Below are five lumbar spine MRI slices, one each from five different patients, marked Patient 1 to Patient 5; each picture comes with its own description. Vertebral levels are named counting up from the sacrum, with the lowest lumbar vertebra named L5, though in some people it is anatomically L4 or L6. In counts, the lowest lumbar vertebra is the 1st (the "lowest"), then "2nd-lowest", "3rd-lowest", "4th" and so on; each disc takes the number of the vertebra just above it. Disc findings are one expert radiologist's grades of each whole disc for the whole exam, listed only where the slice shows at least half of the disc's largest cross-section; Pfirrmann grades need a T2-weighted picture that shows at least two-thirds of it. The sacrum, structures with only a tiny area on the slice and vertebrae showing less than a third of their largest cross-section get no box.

Patient 1 of 5:
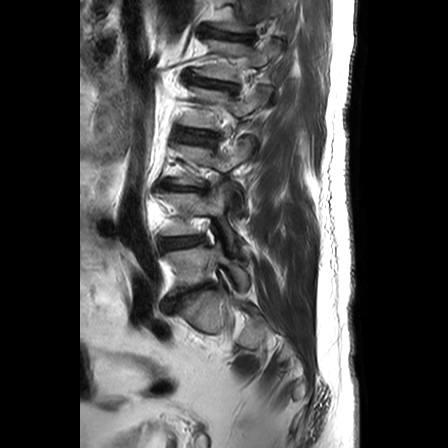 448x448 px. Field of view 280x280 mm. T2-weighted sagittal MRI of the lumbar spine.

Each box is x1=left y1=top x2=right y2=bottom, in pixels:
L2/L3: x1=180 y1=130 x2=214 y2=143 | disc L1/L2: x1=185 y1=74 x2=237 y2=91 | L2: x1=181 y1=88 x2=266 y2=128 | disc L3/L4: x1=163 y1=184 x2=204 y2=192 | L4 vertebra: x1=158 y1=187 x2=235 y2=244 | disc T12/L1: x1=213 y1=32 x2=252 y2=40 | L5: x1=164 y1=242 x2=248 y2=293 | T12 vertebra: x1=218 y1=0 x2=286 y2=31 | disc L5/S1: x1=163 y1=283 x2=211 y2=313 | L3 vertebra: x1=174 y1=139 x2=251 y2=183 | L4/L5: x1=162 y1=237 x2=202 y2=248 | L1 vertebra: x1=195 y1=40 x2=280 y2=80

Per-level radiological findings:
  T12/L1: Pfirrmann grade 3, disc narrowing, disc bulging
  L5/S1: disc bulging, disc narrowing
  L1/L2: Pfirrmann grade 3, disc bulging, disc narrowing
  L2/L3: no Modic or endplate change, herniation, narrowing, bulging or spondylolisthesis recorded

Patient 2 of 5:
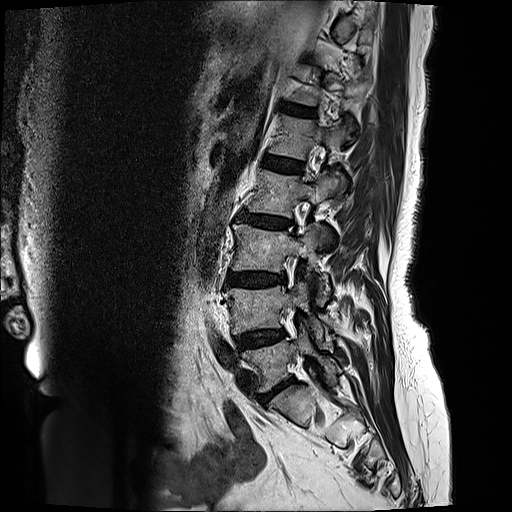 512x512 px, T2-weighted sagittal MRI of the lumbar spine
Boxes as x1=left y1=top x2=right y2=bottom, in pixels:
Structures:
* intervertebral disc L1/L2 (5th disc): x1=264 y1=155 x2=303 y2=172
* L5 (lowest vertebra): x1=243 y1=333 x2=338 y2=392
* L1 (5th vertebra): x1=270 y1=114 x2=351 y2=159
* L3 (3rd-lowest vertebra): x1=232 y1=224 x2=330 y2=301
* L4 (2nd-lowest vertebra): x1=223 y1=279 x2=324 y2=341
* L5/S1 (lowest disc): x1=261 y1=379 x2=294 y2=404
* L2 (4th vertebra): x1=249 y1=169 x2=344 y2=217
* intervertebral disc L4/L5 (2nd-lowest disc): x1=236 y1=330 x2=285 y2=350
* L2/L3 (4th disc): x1=237 y1=213 x2=294 y2=227
* intervertebral disc L3/L4 (3rd-lowest disc): x1=227 y1=272 x2=286 y2=284
* T12/L1 (6th disc): x1=287 y1=104 x2=314 y2=113

Degenerative findings by level:
  L3/L4 (3rd-lowest disc): Pfirrmann grade 4, upper-endplate change, disc narrowing, disc bulging, Modic type II, lower-endplate change
  L4/L5 (2nd-lowest disc): Pfirrmann grade 3, disc bulging
  L2/L3 (4th disc): Pfirrmann grade 4, disc narrowing, lower-endplate change, Modic type II, disc bulging, upper-endplate change
  L1/L2 (5th disc): no Modic or endplate change, herniation, narrowing, bulging or spondylolisthesis recorded

Patient 3 of 5:
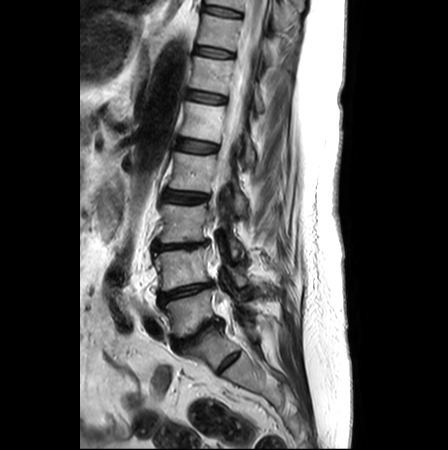

Slice spacing 3.3 mm, Lumbar spine MR, T2-weighted, sagittal, Slice 16 of 26
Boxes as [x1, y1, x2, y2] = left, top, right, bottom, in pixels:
Structures:
* intervertebral disc L1/L2: [177, 138, 217, 153]
* L5 vertebra: [164, 289, 252, 336]
* L4/L5: [159, 283, 212, 303]
* L4 vertebra: [154, 247, 247, 291]
* T11 vertebra: [198, 13, 271, 62]
* L5/S1: [173, 322, 221, 349]
* L3/L4: [153, 241, 207, 250]
* L2/L3: [164, 190, 208, 202]
* T12 vertebra: [190, 56, 263, 110]
* L3: [159, 203, 241, 256]
* T10 vertebra: [207, 0, 285, 26]
* intervertebral disc T12/L1: [189, 91, 225, 103]
* L1 vertebra: [180, 102, 254, 164]
* L2 vertebra: [169, 152, 247, 214]
* spinal canal: [211, 0, 267, 313]
* intervertebral disc T11/T12: [195, 46, 233, 57]
* intervertebral disc T10/T11: [204, 5, 240, 15]

Expert MSK radiologist gradings (per disc):
- L3/L4: Pfirrmann grade 4, disc narrowing, disc bulging, upper-endplate change, lower-endplate change
- L1/L2: Pfirrmann grade 2
- L2/L3: Pfirrmann grade 3, disc bulging
- L5/S1: Pfirrmann grade 5, disc bulging, disc narrowing, Modic type II, lower-endplate change, upper-endplate change
- T12/L1: Pfirrmann grade 2
- L4/L5: Pfirrmann grade 5, disc bulging, disc narrowing
- T10/T11: Pfirrmann grade 1
- T11/T12: Pfirrmann grade 1

Patient 4 of 5:
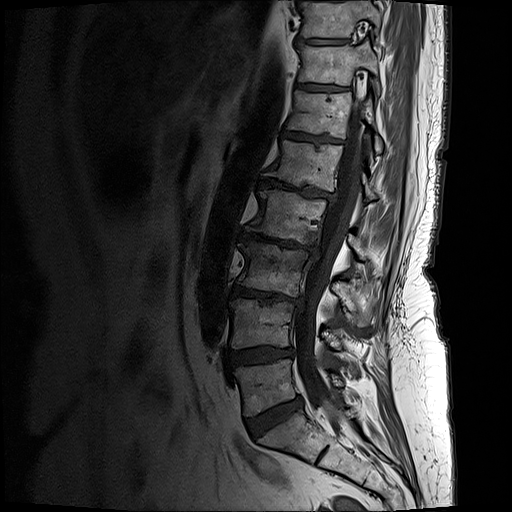 Sex F | T1-weighted sagittal MRI of the lumbar spine

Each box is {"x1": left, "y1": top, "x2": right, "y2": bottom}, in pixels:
Intervertebral disc L4/L5 at {"x1": 228, "y1": 347, "x2": 293, "y2": 368}, L3 at {"x1": 238, "y1": 242, "x2": 365, "y2": 325}, L4 vertebra at {"x1": 229, "y1": 299, "x2": 339, "y2": 348}, T11/T12 at {"x1": 296, "y1": 85, "x2": 335, "y2": 91}, L2 vertebra at {"x1": 246, "y1": 189, "x2": 363, "y2": 258}, T11 at {"x1": 298, "y1": 43, "x2": 378, "y2": 90}, intervertebral disc T12/L1 at {"x1": 282, "y1": 130, "x2": 337, "y2": 142}, spinal canal at {"x1": 295, "y1": 105, "x2": 363, "y2": 428}, T10 at {"x1": 302, "y1": 0, "x2": 379, "y2": 38}, L5/S1 at {"x1": 246, "y1": 398, "x2": 302, "y2": 438}, intervertebral disc L3/L4 at {"x1": 232, "y1": 286, "x2": 302, "y2": 306}, L1 vertebra at {"x1": 263, "y1": 140, "x2": 376, "y2": 199}, intervertebral disc L2/L3 at {"x1": 241, "y1": 233, "x2": 317, "y2": 251}, L5 at {"x1": 234, "y1": 359, "x2": 342, "y2": 416}, L1/L2 at {"x1": 257, "y1": 179, "x2": 333, "y2": 200}, T10/T11 at {"x1": 298, "y1": 39, "x2": 345, "y2": 44}, T12 vertebra at {"x1": 286, "y1": 91, "x2": 381, "y2": 153}.

Radiological gradings:
- T11/T12: lower-endplate change, upper-endplate change
- L3/L4: upper-endplate change, Modic type II, disc narrowing, disc bulging, lower-endplate change
- L5/S1: disc bulging
- T12/L1: lower-endplate change, Modic type II, upper-endplate change
- L1/L2: upper-endplate change, disc narrowing, disc bulging, Modic type II, lower-endplate change
- L4/L5: lower-endplate change, upper-endplate change, disc bulging
- T10/T11: upper-endplate change, lower-endplate change

Patient 5 of 5:
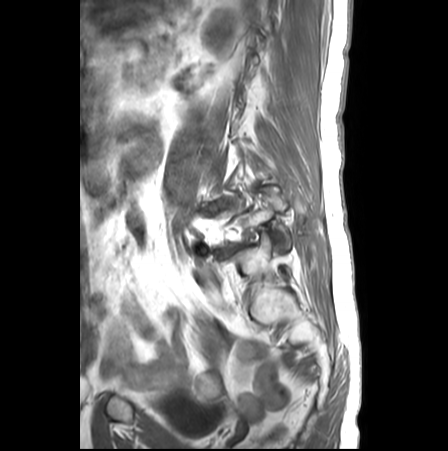 Slice spacing 3.3 mm; Image 448x451; Sagittal T1-weighted lumbar spine MRI
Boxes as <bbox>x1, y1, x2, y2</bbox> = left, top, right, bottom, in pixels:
L5/S1 at <bbox>219, 244, 251, 258</bbox>.
Disc L4/L5 at <bbox>210, 198, 231, 210</bbox>.

Radiological gradings:
  L5/S1: disc narrowing, lower-endplate change, Modic type II, disc herniation, disc bulging, upper-endplate change